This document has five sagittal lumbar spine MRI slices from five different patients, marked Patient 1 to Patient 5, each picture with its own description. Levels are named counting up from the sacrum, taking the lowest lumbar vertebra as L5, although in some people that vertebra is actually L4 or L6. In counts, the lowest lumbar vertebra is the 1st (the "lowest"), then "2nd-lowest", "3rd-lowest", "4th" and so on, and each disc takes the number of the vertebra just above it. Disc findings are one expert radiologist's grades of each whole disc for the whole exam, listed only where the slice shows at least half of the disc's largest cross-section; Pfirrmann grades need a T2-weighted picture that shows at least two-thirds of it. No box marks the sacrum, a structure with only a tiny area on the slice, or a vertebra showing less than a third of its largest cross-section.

Patient 1 of 5:
Slice 12/15; Lumbar spine MR, T1-weighted, sagittal

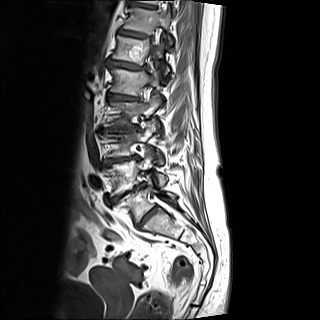

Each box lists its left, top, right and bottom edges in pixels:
6th disc: left=107, top=60, right=144, bottom=69
5th disc: left=106, top=93, right=139, bottom=100
8th disc: left=127, top=1, right=156, bottom=8
7th vertebra: left=123, top=7, right=172, bottom=40
4th vertebra: left=103, top=94, right=159, bottom=126
3rd-lowest disc: left=104, top=156, right=137, bottom=166
8th vertebra: left=136, top=0, right=172, bottom=4
lowest vertebra: left=117, top=188, right=174, bottom=223
2nd-lowest disc: left=111, top=183, right=144, bottom=202
4th disc: left=101, top=126, right=137, bottom=132
lowest disc: left=137, top=207, right=158, bottom=228
thecal sac / spinal canal: left=147, top=35, right=160, bottom=85
6th vertebra: left=112, top=35, right=169, bottom=74
2nd-lowest vertebra: left=106, top=153, right=167, bottom=196
3rd-lowest vertebra: left=105, top=122, right=163, bottom=164
5th vertebra: left=110, top=67, right=159, bottom=95
7th disc: left=118, top=29, right=149, bottom=38

Per-level radiological findings:
- 5th disc: Modic type II, disc narrowing, upper-endplate change, lower-endplate change, disc bulging
- 4th disc: upper-endplate change, disc bulging, Modic type II, disc narrowing, lower-endplate change
- 6th disc: disc bulging, disc narrowing, upper-endplate change, Modic type II, lower-endplate change
- 3rd-lowest disc: lower-endplate change, upper-endplate change, Modic type II, disc narrowing, disc bulging
- 2nd-lowest disc: upper-endplate change, Modic type II, lower-endplate change, disc bulging, disc narrowing
- 8th disc: disc bulging
- 7th disc: Modic type II, upper-endplate change, lower-endplate change, disc bulging
- lowest disc: disc narrowing, upper-endplate change, lower-endplate change, disc bulging, Modic type II

Patient 2 of 5:
Image 512x512; Sagittal slice index 14; Lumbar spine MR, T2-weighted, sagittal; Slice spacing 3.3 mm; Patient sex: M 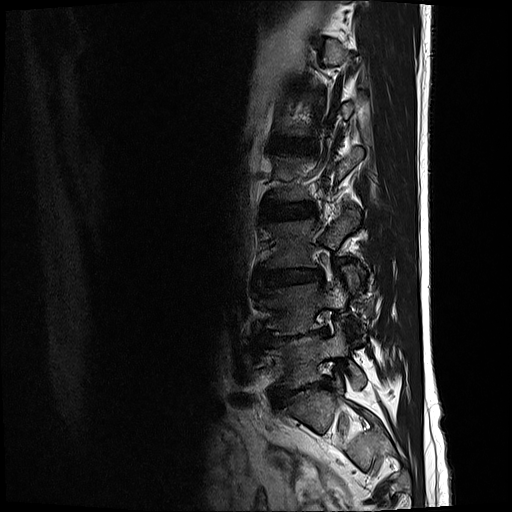 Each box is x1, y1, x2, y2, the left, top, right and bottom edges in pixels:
5th disc: 273, 139, 316, 152 | 2nd-lowest vertebra: 258, 281, 346, 334 | lowest disc: 273, 379, 329, 403 | lowest vertebra: 266, 326, 365, 388 | 2nd-lowest disc: 266, 328, 327, 341 | 3rd-lowest disc: 258, 268, 321, 288 | 3rd-lowest vertebra: 266, 211, 359, 267 | 4th disc: 267, 203, 316, 219

Degenerative findings by level:
- 4th disc: Pfirrmann grade 2
- lowest disc: spondylolisthesis, disc narrowing, lower-endplate change, disc bulging
- 3rd-lowest disc: Pfirrmann grade 3, disc narrowing, disc bulging
- 5th disc: no Modic or endplate change, herniation, narrowing, bulging or spondylolisthesis recorded

Patient 3 of 5:
Slice spacing 3.3 mm. Lumbar spine MR, T1-weighted, sagittal. 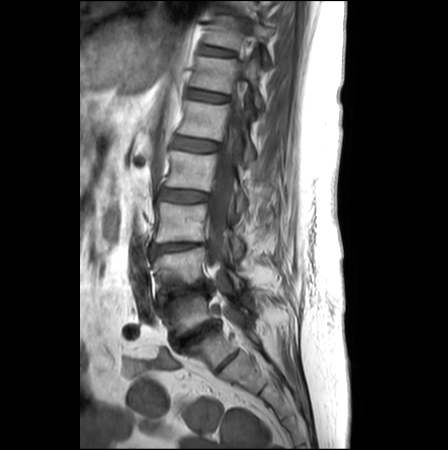

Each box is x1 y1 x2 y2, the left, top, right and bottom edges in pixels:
- 2nd-lowest disc: 158 282 213 303
- 4th vertebra: 166 151 248 211
- 8th disc: 218 7 231 11
- 2nd-lowest vertebra: 152 247 244 293
- 3rd-lowest disc: 149 242 206 253
- 4th disc: 160 189 206 201
- lowest vertebra: 160 293 250 337
- 6th vertebra: 192 56 262 107
- 7th vertebra: 206 16 275 66
- spinal canal: 206 105 243 274
- 5th vertebra: 178 100 254 163
- lowest disc: 174 321 218 347
- 7th disc: 201 45 233 55
- 6th disc: 189 90 226 101
- 5th disc: 175 136 216 151
- 3rd-lowest vertebra: 154 202 244 256

Expert MSK radiologist gradings (per disc):
- 4th disc: disc bulging
- 2nd-lowest disc: disc bulging, disc narrowing
- 3rd-lowest disc: disc narrowing, upper-endplate change, lower-endplate change, disc bulging
- lowest disc: lower-endplate change, Modic type II, disc narrowing, disc bulging, upper-endplate change
- 5th disc, 6th disc, 7th disc: no Modic or endplate change, herniation, narrowing, bulging or spondylolisthesis recorded

Patient 4 of 5:
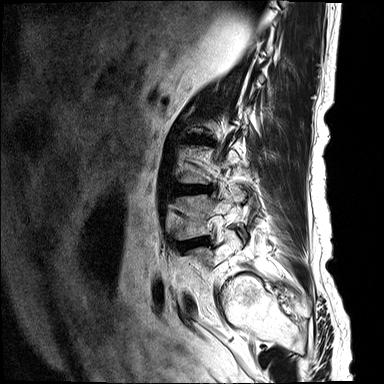 Patient sex: M, T2-weighted sagittal MRI of the lumbar spine, Slice spacing 4.4 mm

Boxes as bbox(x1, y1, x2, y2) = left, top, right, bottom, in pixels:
L5 — bbox(186, 229, 242, 267).
L3/L4 — bbox(178, 187, 206, 193).
L4/L5 — bbox(179, 238, 209, 247).
L4 vertebra — bbox(177, 187, 247, 240).

Patient 5 of 5:
T2 SPACE (3D) sagittal MRI of the lumbar spine. SIEMENS Skyra (3T). 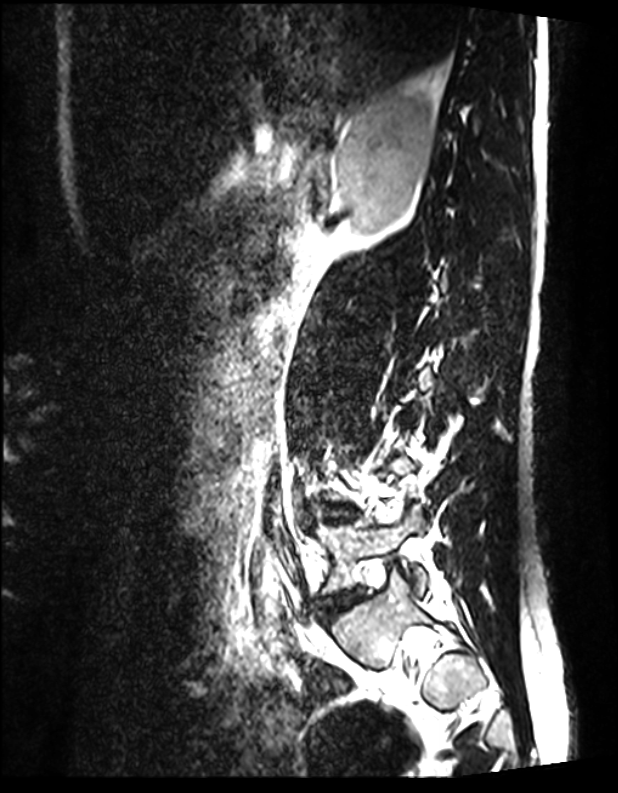

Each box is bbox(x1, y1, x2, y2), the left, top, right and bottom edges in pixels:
{"L4/L5": "bbox(326, 508, 348, 521)", "L5 vertebra": "bbox(316, 505, 427, 594)", "L5/S1": "bbox(323, 591, 360, 620)"}